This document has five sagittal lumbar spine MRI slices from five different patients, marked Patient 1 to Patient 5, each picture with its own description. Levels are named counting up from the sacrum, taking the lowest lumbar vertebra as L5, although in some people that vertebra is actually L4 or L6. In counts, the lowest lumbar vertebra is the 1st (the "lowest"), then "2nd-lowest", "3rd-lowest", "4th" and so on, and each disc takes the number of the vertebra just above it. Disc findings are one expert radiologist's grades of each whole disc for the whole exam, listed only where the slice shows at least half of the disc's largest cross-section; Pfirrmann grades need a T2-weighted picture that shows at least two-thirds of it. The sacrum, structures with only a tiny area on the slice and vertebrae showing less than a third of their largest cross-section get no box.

Patient 1 of 5:
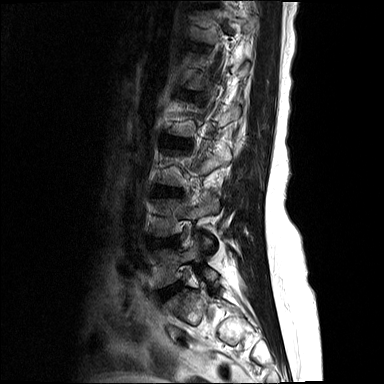

Lumbar spine MR, T2-weighted, sagittal.
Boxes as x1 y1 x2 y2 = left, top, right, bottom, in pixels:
Segmented structures:
• 2nd-lowest disc = 150 238 175 246
• 2nd-lowest vertebra = 153 193 219 235
• 4th disc = 172 138 183 144
• 3rd-lowest disc = 153 186 179 195
• lowest vertebra = 153 235 217 286
• lowest disc = 161 284 181 299

Patient 2 of 5:
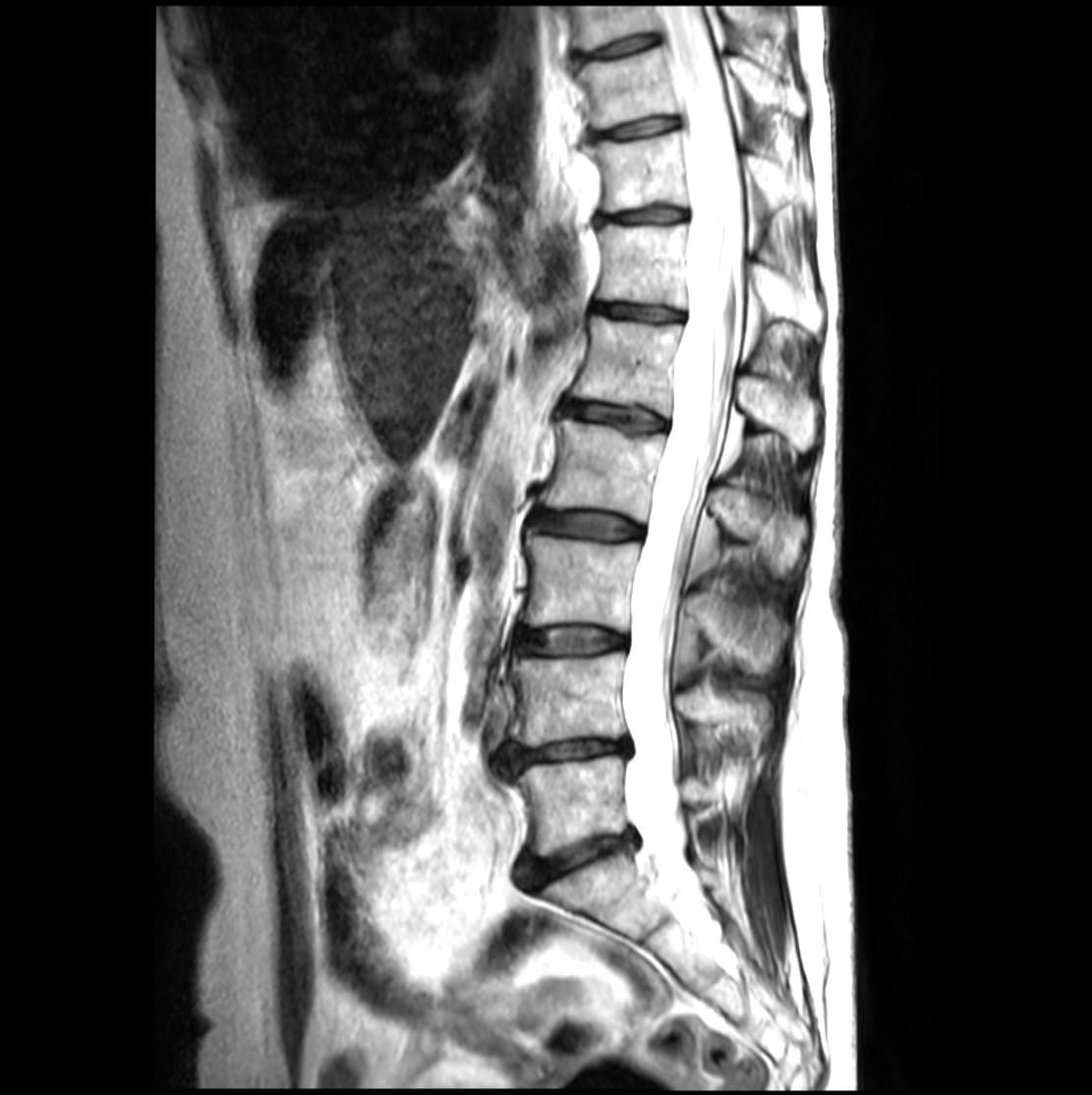 Slice 12/23. Sagittal T2-weighted lumbar spine MRI.
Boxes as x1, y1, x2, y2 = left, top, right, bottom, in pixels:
Segmented structures:
* 2nd-lowest disc = 500, 741, 627, 772
* 4th disc = 533, 510, 641, 540
* 7th vertebra = 590, 131, 801, 211
* 6th vertebra = 598, 224, 821, 331
* 3rd-lowest vertebra = 524, 533, 786, 672
* 3rd-lowest disc = 515, 628, 624, 653
* 6th disc = 596, 304, 681, 320
* lowest vertebra = 513, 757, 717, 855
* 7th disc = 600, 206, 685, 221
* 8th disc = 588, 117, 679, 141
* 4th vertebra = 541, 419, 806, 571
* 2nd-lowest vertebra = 509, 654, 768, 746
* 5th disc = 563, 401, 664, 431
* 8th vertebra = 579, 45, 805, 128
* lowest disc = 519, 833, 633, 887
* 5th vertebra = 573, 316, 816, 450
* thecal sac / spinal canal = 622, 6, 742, 901

Radiological gradings:
- 4th disc: Pfirrmann grade 3, upper-endplate change, lower-endplate change
- 7th disc: Pfirrmann grade 3, upper-endplate change, lower-endplate change
- 6th disc: Pfirrmann grade 3
- lowest disc: Pfirrmann grade 4, disc bulging, disc narrowing
- 5th disc: Pfirrmann grade 3, lower-endplate change, upper-endplate change
- 8th disc: Pfirrmann grade 3, upper-endplate change, lower-endplate change
- 3rd-lowest disc: Pfirrmann grade 3, lower-endplate change, upper-endplate change
- 2nd-lowest disc: Pfirrmann grade 4, disc herniation, lower-endplate change, disc bulging, disc narrowing, upper-endplate change

Patient 3 of 5:
618x793 px | Sagittal slice index 86 | MRI lumbar spine (T2 SPACE (3D)), sagittal plane | Field of view 240x308 mm, slice spacing 0.9 mm

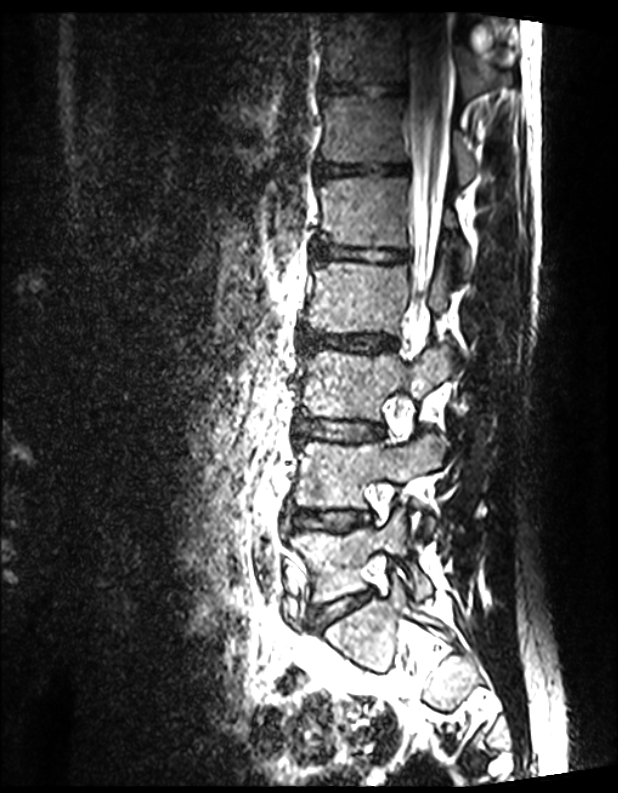

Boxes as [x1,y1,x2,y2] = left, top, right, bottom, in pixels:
7th vertebra: [322,14,479,99]
5th disc: [313,242,407,263]
2nd-lowest vertebra: [296,437,444,508]
4th disc: [299,330,398,352]
7th disc: [322,80,405,95]
3rd-lowest vertebra: [305,347,461,419]
6th vertebra: [322,94,474,184]
6th disc: [316,162,410,178]
lowest vertebra: [292,508,432,601]
5th vertebra: [320,177,467,264]
lowest disc: [313,591,372,626]
2nd-lowest disc: [288,509,370,530]
3rd-lowest disc: [296,418,383,440]
thecal sac / spinal canal: [407,21,447,286]
4th vertebra: [307,256,451,334]

Degenerative findings by level:
- 4th disc: Pfirrmann grade 1
- 3rd-lowest disc: Pfirrmann grade 1
- 5th disc: Pfirrmann grade 1
- 6th disc: Pfirrmann grade 1
- 7th disc: Pfirrmann grade 1
- 2nd-lowest disc: no spondylolisthesis, narrowing, bulging, herniation, Modic or endplate change recorded

Patient 4 of 5:
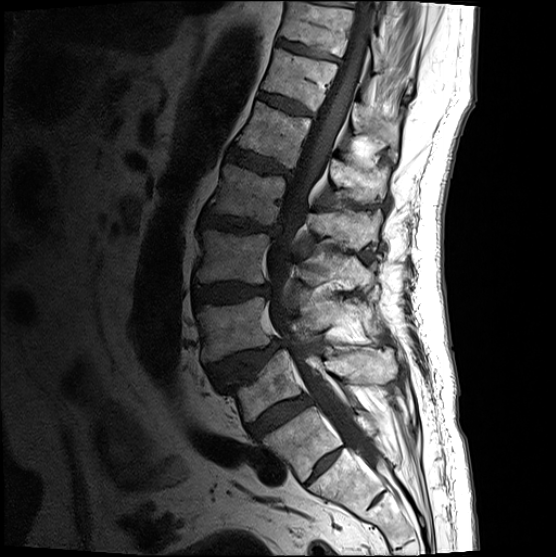
556x557 px, Sex M, Lumbar spine MR, T1-weighted, sagittal
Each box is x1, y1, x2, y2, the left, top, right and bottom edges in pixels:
* T12 (6th vertebra) at 263, 51, 398, 161
* L5/S1 (lowest disc) at 246, 397, 311, 439
* L3 (3rd-lowest vertebra) at 195, 231, 376, 291
* disc T12/L1 (6th disc) at 257, 94, 314, 119
* T11/T12 (7th disc) at 277, 41, 339, 63
* L1 (5th vertebra) at 238, 104, 388, 205
* L4 (2nd-lowest vertebra) at 196, 299, 376, 364
* L2 (4th vertebra) at 208, 166, 382, 253
* disc L3/L4 (3rd-lowest disc) at 193, 285, 270, 308
* T11 (7th vertebra) at 280, 2, 380, 74
* disc L1/L2 (5th disc) at 228, 150, 292, 180
* disc L4/L5 (2nd-lowest disc) at 207, 341, 288, 388
* spinal canal at 267, 1, 383, 476
* disc L2/L3 (4th disc) at 200, 212, 282, 238
* L5 (lowest vertebra) at 226, 350, 396, 423

Degenerative findings by level:
  L3/L4 (3rd-lowest disc): disc bulging
  T11/T12 (7th disc): lower-endplate change
  L4/L5 (2nd-lowest disc): upper-endplate change, disc herniation, spondylolisthesis
  L1/L2 (5th disc): upper-endplate change, disc bulging, lower-endplate change
  L2/L3 (4th disc): upper-endplate change, disc narrowing, lower-endplate change, disc bulging
  T12/L1 (6th disc), L5/S1 (lowest disc): no spondylolisthesis, narrowing, bulging, herniation, Modic or endplate change recorded

Patient 5 of 5:
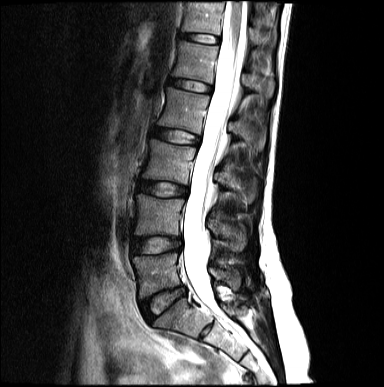 T2-weighted sagittal MRI of the lumbar spine
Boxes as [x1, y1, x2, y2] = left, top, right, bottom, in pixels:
L3/L4: [138, 181, 187, 197].
L5/S1: [141, 287, 185, 322].
L5 vertebra: [133, 253, 239, 298].
L4/L5: [133, 236, 181, 253].
T12: [182, 1, 259, 45].
Intervertebral disc L2/L3: [153, 127, 199, 145].
L2 vertebra: [158, 87, 264, 150].
Thecal sac / spinal canal: [183, 1, 246, 319].
L3 vertebra: [142, 139, 256, 202].
L4: [135, 194, 242, 248].
Intervertebral disc L1/L2: [169, 79, 211, 92].
L1: [173, 41, 273, 97].
T12/L1: [180, 34, 218, 43].

Expert MSK radiologist gradings (per disc):
- L3/L4: Pfirrmann grade 2, disc bulging
- L1/L2: Pfirrmann grade 2
- T12/L1: Pfirrmann grade 2
- L4/L5: Pfirrmann grade 2, disc bulging
- L2/L3: Pfirrmann grade 2
- L5/S1: Pfirrmann grade 2, disc bulging, disc narrowing